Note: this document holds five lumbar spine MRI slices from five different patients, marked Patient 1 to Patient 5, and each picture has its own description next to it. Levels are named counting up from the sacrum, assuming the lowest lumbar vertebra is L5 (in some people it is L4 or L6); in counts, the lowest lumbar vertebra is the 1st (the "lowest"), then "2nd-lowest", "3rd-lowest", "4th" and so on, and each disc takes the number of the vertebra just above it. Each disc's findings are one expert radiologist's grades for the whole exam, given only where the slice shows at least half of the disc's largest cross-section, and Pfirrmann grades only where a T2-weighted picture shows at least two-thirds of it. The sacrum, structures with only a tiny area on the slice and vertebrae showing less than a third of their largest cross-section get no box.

Patient 1 of 5:
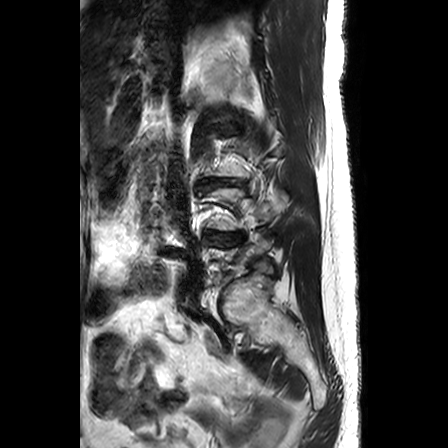 Patient sex: F, Slice 3/24, Sagittal T2-weighted lumbar spine MRI
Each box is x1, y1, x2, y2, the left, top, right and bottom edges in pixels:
L4/L5 at 203, 232, 243, 246; L3/L4 at 196, 178, 247, 194.

Expert MSK radiologist gradings (per disc):
• L3/L4: Pfirrmann grade 5, disc bulging, Modic type II, disc narrowing, lower-endplate change, upper-endplate change
• L4/L5: Pfirrmann grade 5, Modic type II, disc bulging, lower-endplate change, disc narrowing, upper-endplate change

Patient 2 of 5:
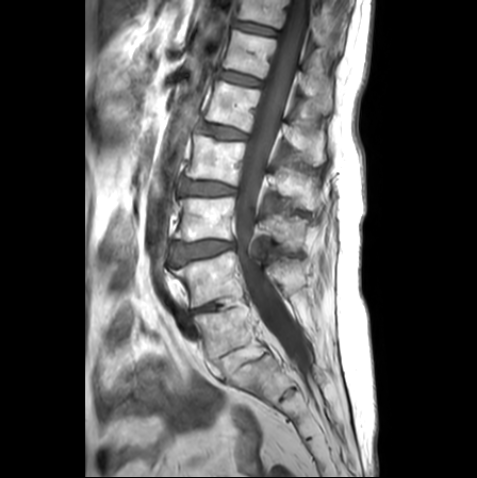 Sagittal T1-weighted lumbar spine MRI
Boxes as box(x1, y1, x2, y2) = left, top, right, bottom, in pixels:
L3/L4: box(172, 240, 234, 263)
L5/S1: box(216, 348, 244, 375)
L5: box(194, 302, 266, 360)
L4/L5: box(192, 301, 224, 313)
spinal canal: box(234, 0, 309, 370)
T12: box(223, 29, 332, 113)
L3: box(176, 197, 301, 249)
L4 vertebra: box(171, 251, 306, 306)
T11 vertebra: box(237, 0, 343, 50)
intervertebral disc T12/L1: box(218, 70, 262, 85)
T11/T12: box(235, 21, 277, 35)
L2: box(185, 133, 316, 209)
L2/L3: box(181, 179, 235, 195)
L1: box(204, 81, 325, 166)
intervertebral disc L1/L2: box(198, 123, 246, 138)

Radiological gradings:
• L3/L4: upper-endplate change, disc bulging, Modic type II, lower-endplate change
• L4/L5: disc narrowing
• L2/L3: lower-endplate change, upper-endplate change, disc bulging
• L1/L2: upper-endplate change, lower-endplate change
• L5/S1, T12/L1, T11/T12: no spondylolisthesis, narrowing, bulging, herniation, Modic or endplate change recorded

Patient 3 of 5:
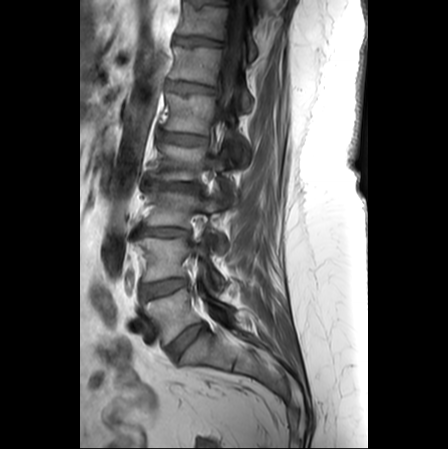 Sagittal slice index 15, T1-weighted sagittal MRI of the lumbar spine
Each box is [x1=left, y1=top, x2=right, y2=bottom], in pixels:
T11 = [x1=177, y1=2, x2=257, y2=59].
L4 vertebra = [x1=136, y1=235, x2=225, y2=289].
L2 = [x1=149, y1=145, x2=237, y2=200].
Disc L4/L5 = [x1=140, y1=279, x2=187, y2=300].
L1/L2 = [x1=157, y1=131, x2=207, y2=144].
Disc L2/L3 = [x1=143, y1=177, x2=202, y2=192].
T12 vertebra = [x1=168, y1=46, x2=250, y2=109].
L3 vertebra = [x1=144, y1=186, x2=226, y2=251].
Thecal sac / spinal canal = [x1=221, y1=0, x2=242, y2=107].
T11/T12 = [x1=174, y1=36, x2=221, y2=45].
Disc L5/S1 = [x1=168, y1=322, x2=205, y2=360].
L1 vertebra = [x1=165, y1=93, x2=246, y2=162].
L5 vertebra = [x1=143, y1=289, x2=232, y2=345].
T12/L1 = [x1=166, y1=81, x2=214, y2=93].
Disc L3/L4 = [x1=137, y1=228, x2=189, y2=237].

Per-level radiological findings:
  L4/L5: Modic type II, upper-endplate change, lower-endplate change, disc bulging
  T11/T12: upper-endplate change
  T12/L1: upper-endplate change
  L5/S1: disc bulging
  L3/L4: disc bulging, disc narrowing, upper-endplate change, lower-endplate change
  L1/L2: disc bulging
  L2/L3: upper-endplate change, disc herniation, Modic type II, disc narrowing, lower-endplate change

Patient 4 of 5:
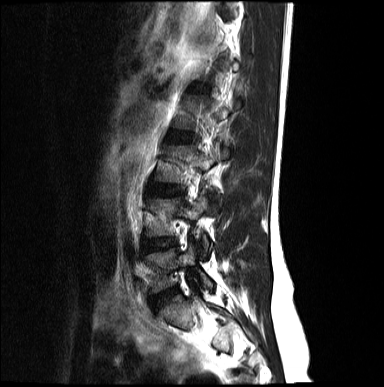 Sex F; Sagittal T2-weighted lumbar spine MRI; Sagittal slice index 11

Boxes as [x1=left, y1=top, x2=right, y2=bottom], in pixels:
Lowest vertebra — [x1=145, y1=243, x2=212, y2=293].
3rd-lowest vertebra — [x1=156, y1=142, x2=228, y2=198].
3rd-lowest disc — [x1=150, y1=185, x2=183, y2=194].
2nd-lowest disc — [x1=142, y1=239, x2=176, y2=252].
Lowest disc — [x1=151, y1=288, x2=177, y2=309].
2nd-lowest vertebra — [x1=145, y1=196, x2=211, y2=255].

Expert MSK radiologist gradings (per disc):
  2nd-lowest disc: disc bulging
  3rd-lowest disc: disc bulging

Patient 5 of 5:
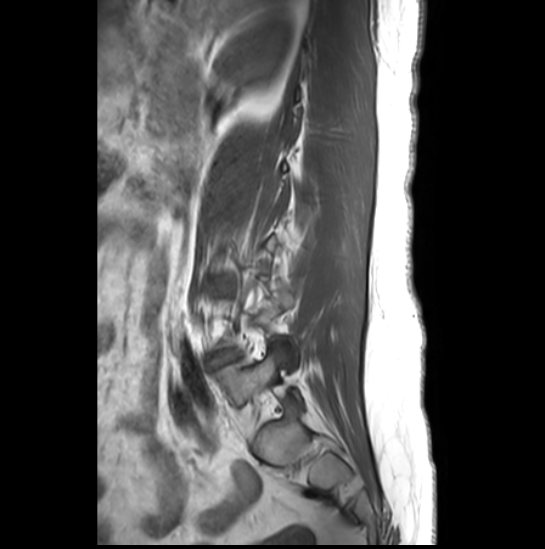
MRI lumbar spine (T1-weighted), sagittal plane, Image 545x549

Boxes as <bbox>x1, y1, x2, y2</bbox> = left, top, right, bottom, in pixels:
Disc L4/L5 = <bbox>213, 350, 233, 364</bbox>.
L5 = <bbox>215, 347, 303, 406</bbox>.